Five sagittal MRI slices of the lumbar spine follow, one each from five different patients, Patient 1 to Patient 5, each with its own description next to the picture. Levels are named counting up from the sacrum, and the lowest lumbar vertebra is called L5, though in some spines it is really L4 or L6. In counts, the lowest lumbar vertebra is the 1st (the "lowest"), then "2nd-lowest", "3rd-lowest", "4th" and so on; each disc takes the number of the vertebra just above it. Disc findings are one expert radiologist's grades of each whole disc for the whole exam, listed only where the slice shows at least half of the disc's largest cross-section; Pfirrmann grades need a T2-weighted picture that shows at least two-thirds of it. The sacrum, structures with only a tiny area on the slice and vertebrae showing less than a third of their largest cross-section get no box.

Patient 1 of 5:
Sagittal T1-weighted lumbar spine MRI; Image 448x450 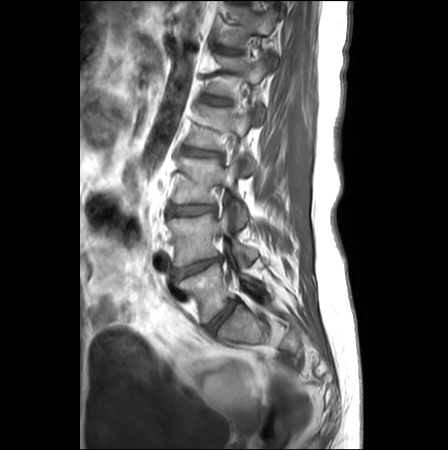 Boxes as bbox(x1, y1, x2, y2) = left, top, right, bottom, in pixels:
T12 vertebra — bbox(219, 5, 276, 63) | intervertebral disc T12/L1 — bbox(218, 46, 237, 52) | L2 vertebra — bbox(186, 105, 255, 172) | L4 vertebra — bbox(168, 210, 257, 265) | L5 vertebra — bbox(180, 263, 264, 322) | L3/L4 — bbox(169, 205, 214, 215) | L3 vertebra — bbox(172, 157, 247, 226) | L4/L5 — bbox(173, 257, 220, 279) | intervertebral disc L1/L2 — bbox(203, 95, 229, 104) | L5/S1 — bbox(206, 300, 239, 331) | intervertebral disc L2/L3 — bbox(181, 148, 219, 157) | L1 vertebra — bbox(207, 57, 268, 117)

Per-level radiological findings:
• L4/L5: disc narrowing, upper-endplate change, Modic type II, lower-endplate change, disc herniation
• L2/L3: disc bulging
• L3/L4: disc bulging
• L5/S1: no herniation, bulging, narrowing, spondylolisthesis, endplate or Modic change recorded

Patient 2 of 5:
Field of view 300x300 mm, slice spacing 3.3 mm | Lumbar spine MR, T2-weighted, sagittal
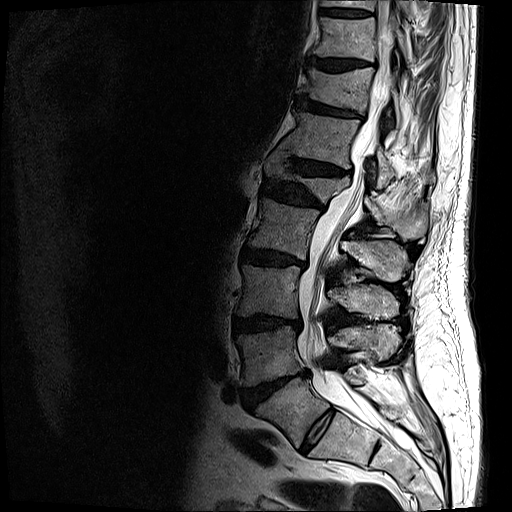

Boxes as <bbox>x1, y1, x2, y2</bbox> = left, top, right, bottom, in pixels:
{"T11 (7th vertebra)": "<bbox>298, 67, 400, 123</bbox>", "intervertebral disc T9/T10 (9th disc)": "<bbox>319, 8, 370, 16</bbox>", "T11/T12 (7th disc)": "<bbox>295, 97, 361, 117</bbox>", "thecal sac / spinal canal": "<bbox>297, 0, 412, 449</bbox>", "intervertebral disc L2/L3 (4th disc)": "<bbox>240, 248, 306, 268</bbox>", "intervertebral disc L3/L4 (3rd-lowest disc)": "<bbox>233, 315, 301, 332</bbox>", "T9 (9th vertebra)": "<bbox>322, 0, 410, 18</bbox>", "L5/S1 (lowest disc)": "<bbox>300, 409, 335, 452</bbox>", "L2 (4th vertebra)": "<bbox>247, 197, 410, 281</bbox>", "L4 (2nd-lowest vertebra)": "<bbox>237, 324, 401, 386</bbox>", "intervertebral disc T12/L1 (6th disc)": "<bbox>277, 146, 348, 176</bbox>", "L5 (lowest vertebra)": "<bbox>256, 374, 364, 447</bbox>", "T12 (6th vertebra)": "<bbox>282, 111, 429, 188</bbox>", "L1/L2 (5th disc)": "<bbox>261, 180, 325, 209</bbox>", "T10 (8th vertebra)": "<bbox>311, 17, 412, 66</bbox>", "L3 (3rd-lowest vertebra)": "<bbox>236, 264, 398, 319</bbox>", "T10/T11 (8th disc)": "<bbox>305, 56, 369, 71</bbox>", "L1 (5th vertebra)": "<bbox>264, 152, 427, 239</bbox>", "L4/L5 (2nd-lowest disc)": "<bbox>241, 369, 309, 410</bbox>"}

Per-level radiological findings:
- L3/L4 (3rd-lowest disc): Pfirrmann grade 4, disc narrowing, upper-endplate change, disc bulging, lower-endplate change
- T10/T11 (8th disc): Pfirrmann grade 4, lower-endplate change, disc bulging, upper-endplate change
- L5/S1 (lowest disc): Pfirrmann grade 2
- L1/L2 (5th disc): Pfirrmann grade 4, lower-endplate change, disc bulging, disc narrowing, upper-endplate change
- L2/L3 (4th disc): Pfirrmann grade 4, upper-endplate change, disc narrowing, disc bulging, Modic type II, lower-endplate change
- T11/T12 (7th disc): Pfirrmann grade 4, disc bulging, upper-endplate change, disc narrowing, lower-endplate change
- T12/L1 (6th disc): Pfirrmann grade 4, upper-endplate change, disc bulging, lower-endplate change, disc narrowing
- T9/T10 (9th disc): Pfirrmann grade 3, lower-endplate change
- L4/L5 (2nd-lowest disc): Pfirrmann grade 5, disc bulging, disc narrowing, lower-endplate change, upper-endplate change, disc herniation, Modic type II

Patient 3 of 5:
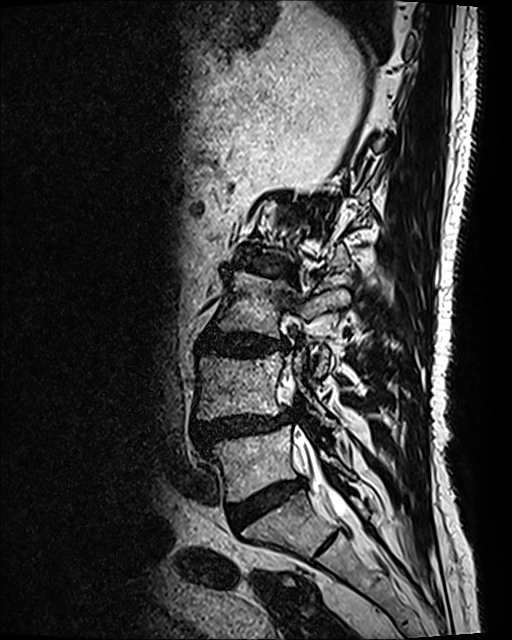

Slice 48 of 120 | Patient sex: M | MRI lumbar spine (T2 SPACE (3D)), sagittal plane
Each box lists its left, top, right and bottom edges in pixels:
L4/L5 at left=193, top=414, right=288, bottom=451; L3 at left=218, top=271, right=349, bottom=376; L5 vertebra at left=210, top=425, right=351, bottom=501; L2/L3 at left=247, top=266, right=293, bottom=279; L5/S1 at left=228, top=476, right=305, bottom=523; spinal canal at left=285, top=381, right=358, bottom=524; L4 at left=196, top=349, right=334, bottom=426; intervertebral disc L3/L4 at left=199, top=329, right=285, bottom=355.

Per-level radiological findings:
- L4/L5: Pfirrmann grade 4, disc narrowing, Modic type II, disc herniation, disc bulging, spondylolisthesis, lower-endplate change, upper-endplate change
- L5/S1: Pfirrmann grade 4
- L3/L4: Pfirrmann grade 4, upper-endplate change, disc bulging, lower-endplate change

Patient 4 of 5:
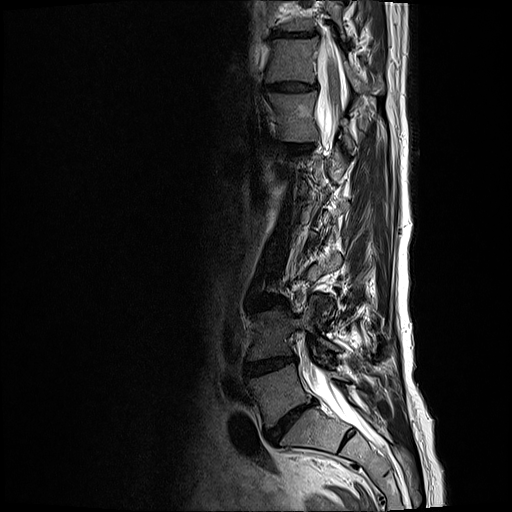 Sagittal slice index 17 | Patient sex: F | MRI lumbar spine (T2-weighted), sagittal plane

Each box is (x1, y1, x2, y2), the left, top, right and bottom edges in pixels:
3rd-lowest disc at (253, 299, 285, 309), 6th disc at (282, 143, 311, 151), 7th vertebra at (266, 38, 384, 93), lowest vertebra at (250, 363, 346, 427), 7th disc at (262, 80, 318, 92), thecal sac / spinal canal at (302, 39, 377, 443), lowest disc at (266, 403, 313, 442), 8th disc at (275, 30, 318, 37), 2nd-lowest disc at (244, 358, 295, 378), 6th vertebra at (266, 91, 353, 148), 2nd-lowest vertebra at (249, 297, 374, 360).

Radiological gradings:
- 2nd-lowest disc: Pfirrmann grade 4, disc bulging, disc narrowing, Modic type II
- 7th disc: Pfirrmann grade 3, disc narrowing, disc bulging
- 8th disc: disc narrowing, disc bulging
- lowest disc: Pfirrmann grade 5, disc bulging, lower-endplate change, upper-endplate change, Modic type II, disc narrowing

Patient 5 of 5:
Philips Healthcare Ingenia (3T), T1-weighted sagittal MRI of the lumbar spine, Slice 14 of 27

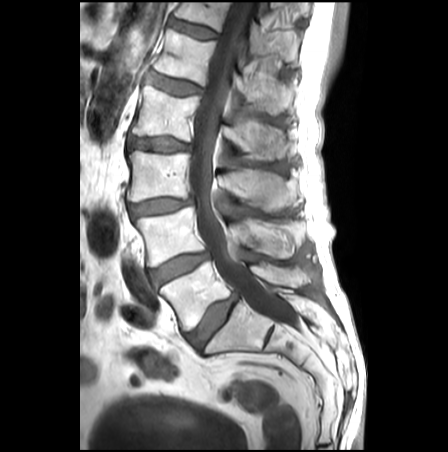

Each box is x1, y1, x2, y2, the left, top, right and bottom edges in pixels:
Annotations:
- intervertebral disc L2/L3 = 127, 137, 190, 153
- intervertebral disc L4/L5 = 150, 252, 208, 286
- L5 = 160, 261, 304, 330
- T12 vertebra = 175, 2, 300, 65
- L1/L2 = 147, 71, 201, 95
- L3 vertebra = 128, 151, 297, 210
- L4 vertebra = 133, 207, 302, 266
- L2 = 132, 85, 293, 160
- intervertebral disc T12/L1 = 170, 18, 217, 38
- intervertebral disc L5/S1 = 187, 294, 238, 350
- intervertebral disc L3/L4 = 129, 198, 194, 215
- thecal sac / spinal canal = 189, 2, 293, 323
- L1 vertebra = 154, 28, 295, 114

Per-level radiological findings:
- L5/S1: disc bulging
- L2/L3: disc bulging
- L4/L5: disc bulging
- L3/L4: disc bulging, disc narrowing
- L1/L2: Modic type II, lower-endplate change, disc bulging, upper-endplate change
- T12/L1: no Modic or endplate change, herniation, narrowing, bulging or spondylolisthesis recorded